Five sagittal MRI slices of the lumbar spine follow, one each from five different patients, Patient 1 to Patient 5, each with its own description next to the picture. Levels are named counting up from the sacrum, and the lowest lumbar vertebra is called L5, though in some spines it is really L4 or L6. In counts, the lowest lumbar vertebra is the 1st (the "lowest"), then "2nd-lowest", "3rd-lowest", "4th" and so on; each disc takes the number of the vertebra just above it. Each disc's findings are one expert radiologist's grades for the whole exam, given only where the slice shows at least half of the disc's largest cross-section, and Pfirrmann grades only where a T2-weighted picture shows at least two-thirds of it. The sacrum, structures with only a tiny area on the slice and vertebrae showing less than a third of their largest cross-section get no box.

Patient 1 of 5:
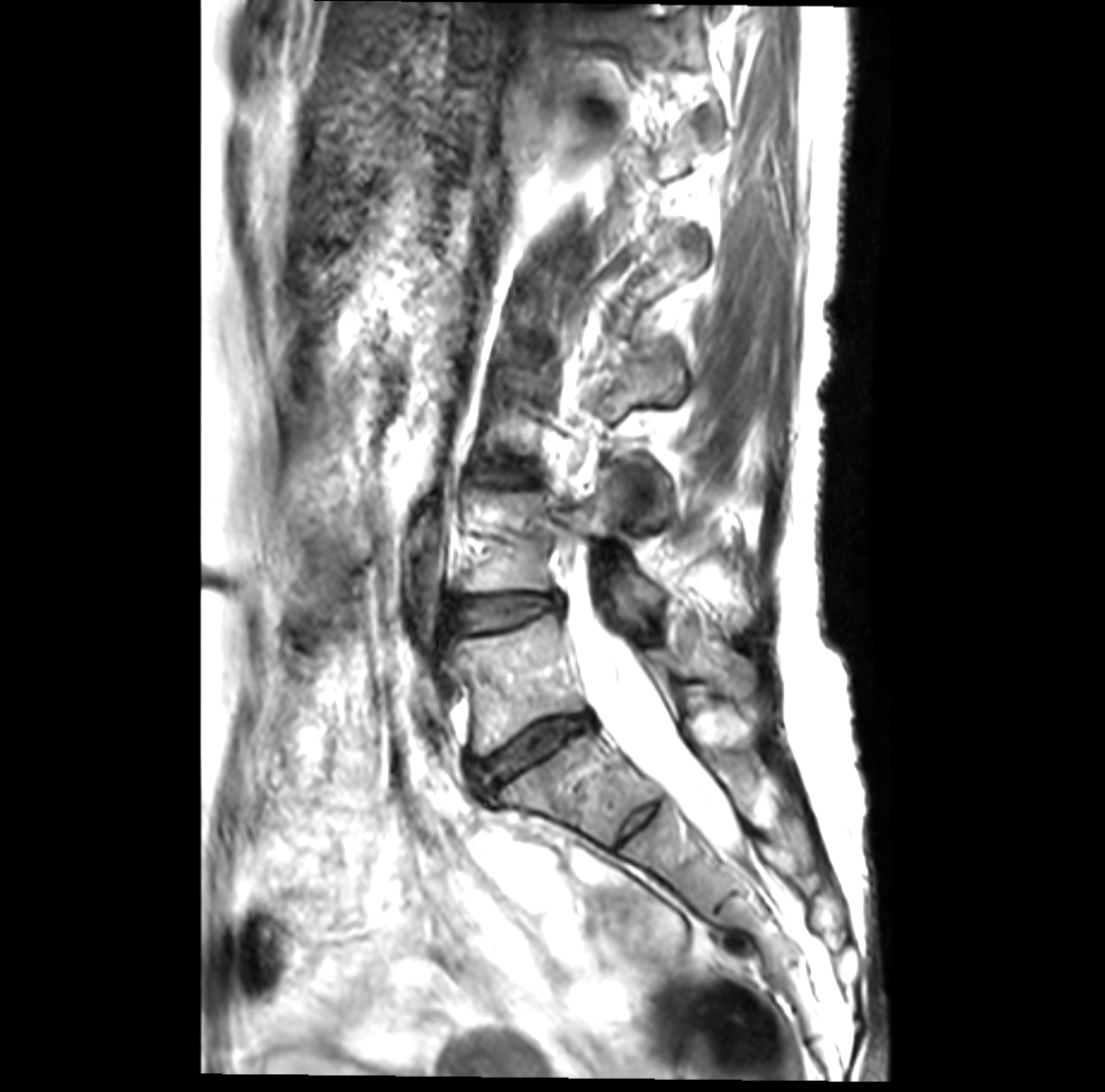

1105x1092 px; Field of view 290x286 mm, slice spacing 3.4 mm; Sagittal T2-weighted lumbar spine MRI
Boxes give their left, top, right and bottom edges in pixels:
spinal canal: left=570, top=596, right=737, bottom=846 | L4 (2nd-lowest vertebra): left=460, top=478, right=661, bottom=613 | IVD L4/L5 (2nd-lowest disc): left=458, top=595, right=558, bottom=631 | L5 (lowest vertebra): left=453, top=613, right=757, bottom=754 | IVD L5/S1 (lowest disc): left=471, top=716, right=588, bottom=792 | L3/L4 (3rd-lowest disc): left=507, top=474, right=517, bottom=482

Radiological gradings:
• L5/S1 (lowest disc): Pfirrmann grade 4, disc bulging, Modic type II, disc narrowing
• L4/L5 (2nd-lowest disc): Modic type II, disc bulging

Patient 2 of 5:
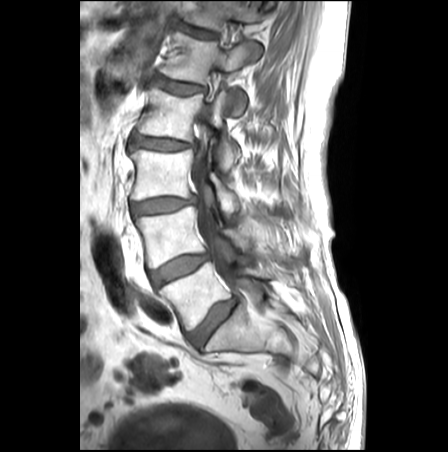 Lumbar spine MR, T1-weighted, sagittal | Slice 17 of 27

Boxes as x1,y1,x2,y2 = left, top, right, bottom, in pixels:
L3/L4 at 131,197,194,214; disc L2/L3 at 129,132,195,150; T12 vertebra at 184,1,260,30; L5/S1 at 188,298,236,347; L5 at 159,262,272,330; disc L4/L5 at 150,253,208,286; L2 vertebra at 137,89,239,169; L1 at 161,32,259,114; disc L1/L2 at 152,78,204,95; spinal canal at 191,111,239,284; L3 at 130,149,238,213; L4 at 135,207,252,267; disc T12/L1 at 179,24,216,38.

Radiological gradings:
  L2/L3: disc bulging
  L4/L5: disc bulging
  L3/L4: disc bulging, disc narrowing
  L5/S1: disc bulging
  L1/L2: lower-endplate change, Modic type II, upper-endplate change, disc bulging
  T12/L1: no spondylolisthesis, narrowing, bulging, herniation, Modic or endplate change recorded

Patient 3 of 5:
Sagittal T2 SPACE (3D) lumbar spine MRI, Scanner: SIEMENS Avanto_fit (1.5T), Sex F 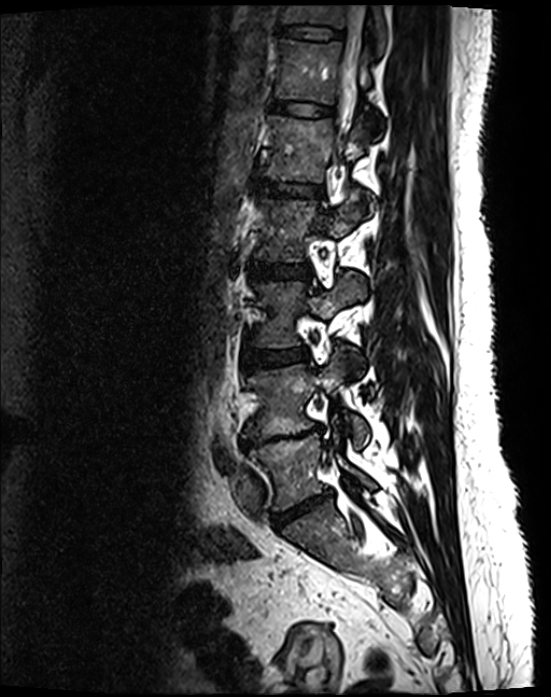 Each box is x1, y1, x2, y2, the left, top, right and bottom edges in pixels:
spinal canal: 334, 5, 364, 161
L2: 254, 195, 359, 261
disc L5/S1: 271, 495, 329, 528
L4/L5: 241, 426, 323, 448
L3 vertebra: 253, 271, 366, 348
T12/L1: 269, 100, 333, 115
T11 vertebra: 280, 5, 388, 52
T12: 274, 38, 382, 131
L5 vertebra: 248, 431, 374, 510
disc L1/L2: 256, 179, 323, 195
disc L2/L3: 247, 264, 312, 279
L1: 264, 115, 373, 210
disc L3/L4: 245, 347, 309, 369
L4 vertebra: 242, 357, 369, 448
disc T11/T12: 279, 25, 342, 37

Per-level radiological findings:
• L4/L5: upper-endplate change, Modic type II, disc narrowing, disc bulging, lower-endplate change
• L2/L3: Pfirrmann grade 2
• T12/L1: Pfirrmann grade 2
• L1/L2: Pfirrmann grade 2
• L5/S1: disc narrowing, disc bulging
• T11/T12: Pfirrmann grade 2
• L3/L4: no Modic or endplate change, herniation, narrowing, bulging or spondylolisthesis recorded

Patient 4 of 5:
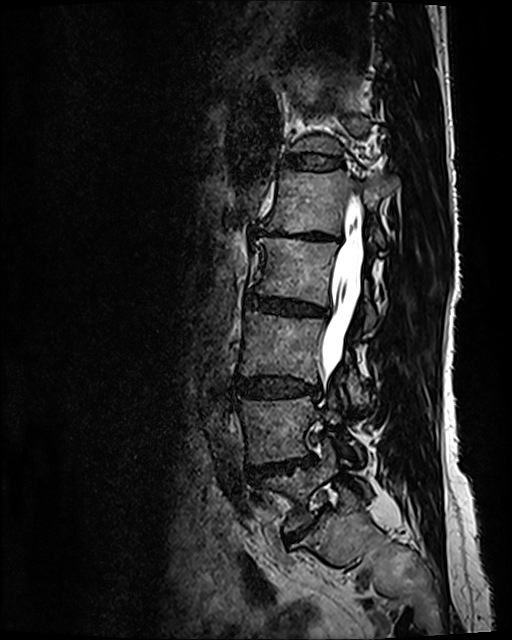

Sagittal T2 SPACE (3D) lumbar spine MRI
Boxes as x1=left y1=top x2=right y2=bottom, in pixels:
L3/L4 (3rd-lowest disc) at x1=237 y1=376 x2=320 y2=398, L3 (3rd-lowest vertebra) at x1=240 y1=311 x2=361 y2=404, L2 (4th vertebra) at x1=254 y1=238 x2=376 y2=329, IVD L4/L5 (2nd-lowest disc) at x1=248 y1=457 x2=314 y2=480, T12/L1 (6th disc) at x1=286 y1=154 x2=341 y2=170, L5 (lowest vertebra) at x1=263 y1=439 x2=371 y2=531, IVD L5/S1 (lowest disc) at x1=287 y1=518 x2=317 y2=541, spinal canal at x1=322 y1=199 x2=363 y2=368, L1 (5th vertebra) at x1=261 y1=169 x2=398 y2=246, L1/L2 (5th disc) at x1=259 y1=228 x2=339 y2=244, IVD L2/L3 (4th disc) at x1=248 y1=293 x2=327 y2=316, L4 (2nd-lowest vertebra) at x1=240 y1=390 x2=361 y2=464.

Expert MSK radiologist gradings (per disc):
- L3/L4 (3rd-lowest disc): Pfirrmann grade 3, disc bulging
- L2/L3 (4th disc): Pfirrmann grade 3, disc bulging, disc narrowing
- L1/L2 (5th disc): Pfirrmann grade 5, disc bulging, upper-endplate change, disc narrowing, lower-endplate change, Modic type II
- L4/L5 (2nd-lowest disc): disc bulging, disc narrowing, Modic type II
- T12/L1 (6th disc): no Modic or endplate change, herniation, narrowing, bulging or spondylolisthesis recorded

Patient 5 of 5:
Field of view 281x281 mm, slice spacing 3.3 mm; Sagittal T2-weighted lumbar spine MRI; Scanner: Philips Healthcare Ingenia (3T); Sagittal slice index 14; Patient sex: F
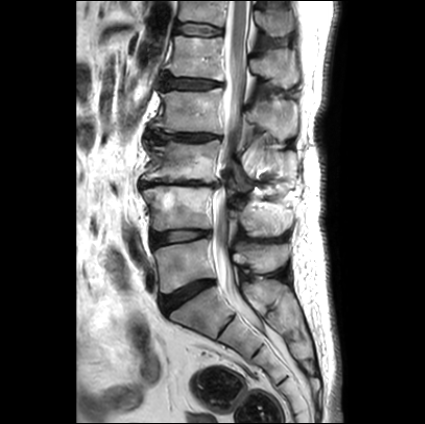

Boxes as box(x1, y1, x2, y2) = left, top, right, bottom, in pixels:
L4/L5 (2nd-lowest disc): box(150, 230, 209, 247).
IVD T12/L1 (6th disc): box(176, 23, 221, 35).
L5 (lowest vertebra): box(154, 239, 289, 293).
T12 (6th vertebra): box(179, 1, 291, 35).
IVD L5/S1 (lowest disc): box(160, 280, 214, 313).
L4 (2nd-lowest vertebra): box(142, 185, 292, 236).
L1 (5th vertebra): box(167, 35, 300, 87).
Spinal canal: box(212, 1, 248, 304).
IVD L1/L2 (5th disc): box(161, 70, 221, 89).
L2/L3 (4th disc): box(146, 131, 219, 141).
L2 (4th vertebra): box(151, 88, 297, 139).
L3/L4 (3rd-lowest disc): box(140, 181, 217, 188).
L3 (3rd-lowest vertebra): box(143, 140, 295, 190).

Radiological gradings:
• L2/L3 (4th disc): Pfirrmann grade 1, upper-endplate change, disc narrowing, lower-endplate change, disc bulging
• L3/L4 (3rd-lowest disc): lower-endplate change, upper-endplate change, disc bulging, disc narrowing, Modic type II
• L5/S1 (lowest disc): Pfirrmann grade 1, disc bulging
• L1/L2 (5th disc): Pfirrmann grade 4, upper-endplate change, disc bulging, lower-endplate change
• L4/L5 (2nd-lowest disc): Pfirrmann grade 2, disc bulging
• T12/L1 (6th disc): Pfirrmann grade 2